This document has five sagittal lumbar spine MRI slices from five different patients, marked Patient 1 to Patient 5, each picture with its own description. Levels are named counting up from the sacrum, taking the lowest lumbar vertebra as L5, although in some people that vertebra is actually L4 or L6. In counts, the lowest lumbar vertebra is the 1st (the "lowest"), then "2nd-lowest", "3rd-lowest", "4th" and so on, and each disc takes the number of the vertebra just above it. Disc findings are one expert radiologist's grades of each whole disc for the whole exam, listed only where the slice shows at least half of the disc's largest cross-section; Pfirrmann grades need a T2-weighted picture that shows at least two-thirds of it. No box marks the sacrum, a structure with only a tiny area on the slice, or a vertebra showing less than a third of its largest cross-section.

Patient 1 of 5:
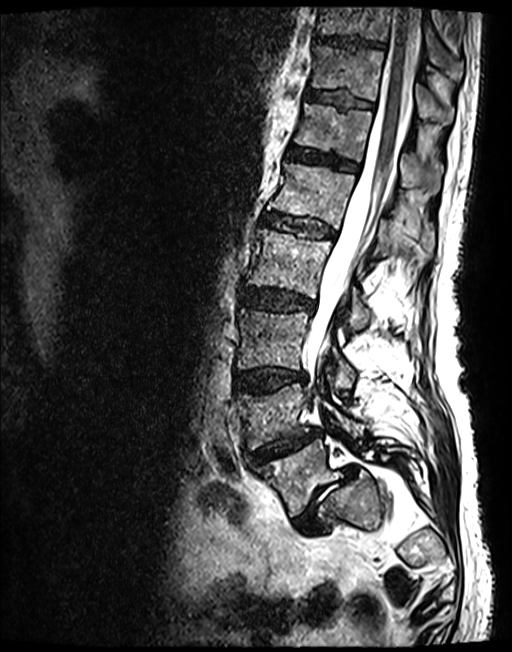 MRI lumbar spine (T2 SPACE (3D)), sagittal plane | Slice 62/143 | Image 512x652
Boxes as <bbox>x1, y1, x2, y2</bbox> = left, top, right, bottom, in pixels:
T10/T11 (8th disc): <bbox>315, 34, 384, 49</bbox> | thecal sac / spinal canal: <bbox>306, 7, 419, 369</bbox> | L4 (2nd-lowest vertebra): <bbox>234, 385, 364, 449</bbox> | IVD L1/L2 (5th disc): <bbox>262, 213, 333, 237</bbox> | L5 (lowest vertebra): <bbox>254, 439, 416, 516</bbox> | L5/S1 (lowest disc): <bbox>294, 465, 357, 532</bbox> | L1 (5th vertebra): <bbox>267, 163, 434, 260</bbox> | IVD L4/L5 (2nd-lowest disc): <bbox>249, 429, 319, 463</bbox> | IVD L3/L4 (3rd-lowest disc): <bbox>234, 368, 305, 393</bbox> | T12 (6th vertebra): <bbox>294, 103, 441, 195</bbox> | T11 (7th vertebra): <bbox>312, 45, 454, 124</bbox> | IVD L2/L3 (4th disc): <bbox>241, 288, 312, 309</bbox> | L2 (4th vertebra): <bbox>248, 230, 371, 327</bbox> | IVD T11/T12 (7th disc): <bbox>307, 91, 372, 108</bbox> | IVD T12/L1 (6th disc): <bbox>287, 146, 357, 171</bbox> | T10 (8th vertebra): <bbox>318, 7, 462, 76</bbox> | L3 (3rd-lowest vertebra): <bbox>236, 308, 356, 387</bbox>

Expert MSK radiologist gradings (per disc):
  L3/L4 (3rd-lowest disc): Pfirrmann grade 3, lower-endplate change, upper-endplate change, disc bulging
  T10/T11 (8th disc): Pfirrmann grade 3
  T11/T12 (7th disc): Pfirrmann grade 3
  L2/L3 (4th disc): Pfirrmann grade 3, disc bulging
  L5/S1 (lowest disc): Pfirrmann grade 5, spondylolisthesis, disc herniation, Modic type II, disc narrowing
  T12/L1 (6th disc): Pfirrmann grade 3
  L4/L5 (2nd-lowest disc): upper-endplate change, spondylolisthesis, lower-endplate change, disc narrowing, disc herniation
  L1/L2 (5th disc): Pfirrmann grade 3

Patient 2 of 5:
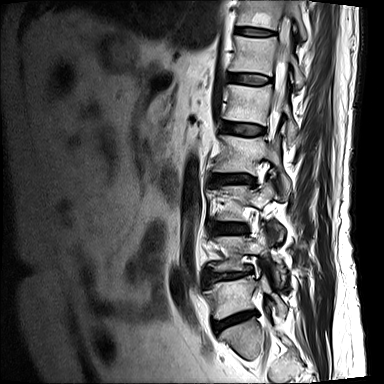
T2-weighted sagittal MRI of the lumbar spine, Slice 4/15

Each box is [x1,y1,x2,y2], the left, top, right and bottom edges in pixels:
T11 vertebra = [237,0,306,39] | L5 = [205,275,287,319] | IVD L4/L5 = [207,272,249,284] | L4 vertebra = [215,231,285,287] | L1 vertebra = [224,85,297,143] | T12/L1 = [228,74,268,84] | L2 = [214,136,290,194] | IVD L2/L3 = [210,174,253,183] | IVD L1/L2 = [222,123,263,135] | L3 vertebra = [219,182,285,241] | IVD T11/T12 = [237,28,273,35] | thecal sac / spinal canal = [272,18,289,116] | T12 vertebra = [230,36,304,87] | IVD L5/S1 = [214,311,256,331] | L3/L4 = [215,224,244,233]

Radiological gradings:
• L5/S1: Pfirrmann grade 4, lower-endplate change, upper-endplate change, disc narrowing, Modic type II, disc bulging
• T11/T12: Pfirrmann grade 4
• T12/L1: Pfirrmann grade 3
• L2/L3: Pfirrmann grade 4, lower-endplate change, Modic type II, disc narrowing, disc bulging, upper-endplate change
• L1/L2: Pfirrmann grade 3

Patient 3 of 5:
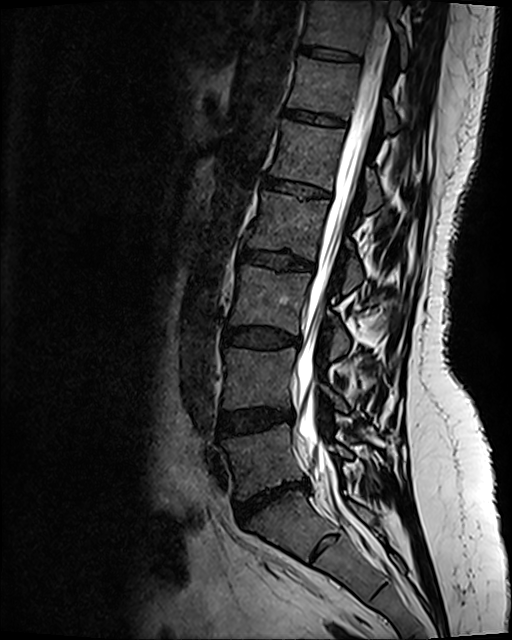
512x640 px. MRI lumbar spine (T2 SPACE (3D)), sagittal plane. Sex F.

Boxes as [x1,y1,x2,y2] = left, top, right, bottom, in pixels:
Structures:
- 7th vertebra — [304,1,407,65]
- 3rd-lowest disc — [224,330,300,348]
- 2nd-lowest disc — [219,409,292,437]
- thecal sac / spinal canal — [297,0,390,476]
- 2nd-lowest vertebra — [224,348,346,410]
- lowest vertebra — [223,425,352,499]
- 6th vertebra — [288,57,397,132]
- 4th disc — [241,250,314,271]
- 5th vertebra — [271,121,381,213]
- 4th vertebra — [245,193,362,291]
- lowest disc — [236,483,307,525]
- 6th disc — [284,112,344,128]
- 7th disc — [301,48,359,64]
- 3rd-lowest vertebra — [230,265,349,357]
- 5th disc — [264,180,328,197]

Degenerative findings by level:
- 3rd-lowest disc: Pfirrmann grade 2, disc bulging
- 4th disc: Pfirrmann grade 4, upper-endplate change, disc bulging, lower-endplate change
- lowest disc: Pfirrmann grade 1, disc herniation, disc bulging, disc narrowing
- 6th disc: Pfirrmann grade 2, upper-endplate change, lower-endplate change
- 2nd-lowest disc: Pfirrmann grade 2, disc bulging
- 7th disc: Pfirrmann grade 2
- 5th disc: Pfirrmann grade 2, lower-endplate change, upper-endplate change

Patient 4 of 5:
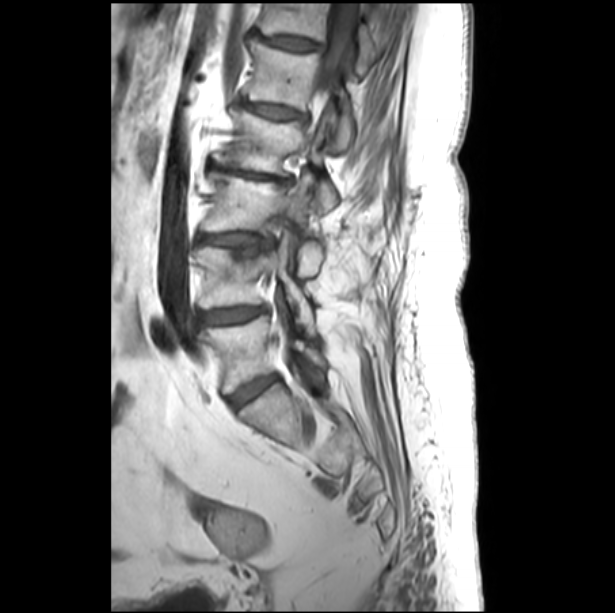
T1-weighted sagittal MRI of the lumbar spine. Slice 13/32.
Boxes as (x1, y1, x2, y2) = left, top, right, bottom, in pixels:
L2 vertebra at (213, 110, 337, 211), T12/L1 at (263, 37, 320, 49), thecal sac / spinal canal at (317, 3, 357, 94), intervertebral disc L4/L5 at (197, 306, 265, 325), L4 at (198, 239, 316, 338), L5 vertebra at (201, 297, 325, 392), T12 at (257, 3, 378, 74), L1 vertebra at (248, 38, 354, 151), L2/L3 at (209, 160, 291, 184), L3/L4 at (197, 232, 273, 246), L3 vertebra at (201, 172, 323, 275), L5/S1 at (229, 374, 277, 407), L1/L2 at (242, 102, 302, 119).

Expert MSK radiologist gradings (per disc):
• L4/L5: disc bulging
• L1/L2: Modic type II, upper-endplate change, disc bulging, lower-endplate change
• L2/L3: disc bulging, Modic type II, upper-endplate change, lower-endplate change, disc narrowing
• T12/L1: upper-endplate change, disc bulging, lower-endplate change, Modic type II
• L3/L4: disc bulging, upper-endplate change, lower-endplate change, Modic type II, disc narrowing

Patient 5 of 5:
T1-weighted sagittal MRI of the lumbar spine. Slice 4 of 15.

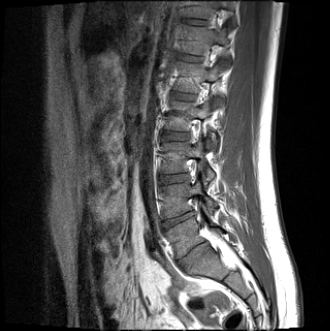
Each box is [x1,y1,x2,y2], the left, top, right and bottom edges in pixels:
L4/L5 — [162,212,194,229] | T11 — [186,1,234,25] | T11/T12 — [186,20,204,24] | L2 vertebra — [165,99,217,143] | L5 — [166,218,221,257] | T12 vertebra — [183,25,228,54] | L2/L3 — [163,131,188,140] | L5/S1 — [179,243,206,268] | L3 — [161,140,214,181] | IVD L1/L2 — [174,93,194,100] | L4 vertebra — [161,180,217,218] | L3/L4 — [159,174,187,183] | L1 — [174,62,224,105] | T12/L1 — [181,55,199,61]

Degenerative findings by level:
- L5/S1: disc bulging
- L4/L5: disc narrowing, upper-endplate change, Modic type II, disc herniation, lower-endplate change
- L2/L3, T11/T12, L3/L4, T12/L1, L1/L2: no spondylolisthesis, narrowing, bulging, herniation, Modic or endplate change recorded